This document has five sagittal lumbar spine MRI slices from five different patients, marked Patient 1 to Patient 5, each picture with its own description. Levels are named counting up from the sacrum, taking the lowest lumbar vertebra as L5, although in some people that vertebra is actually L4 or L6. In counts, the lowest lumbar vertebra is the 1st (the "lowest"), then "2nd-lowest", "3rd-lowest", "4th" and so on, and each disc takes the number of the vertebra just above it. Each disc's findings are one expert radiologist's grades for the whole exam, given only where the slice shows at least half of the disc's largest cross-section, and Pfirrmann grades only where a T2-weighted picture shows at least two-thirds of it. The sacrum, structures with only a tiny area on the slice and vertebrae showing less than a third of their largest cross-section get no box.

Patient 1 of 5:
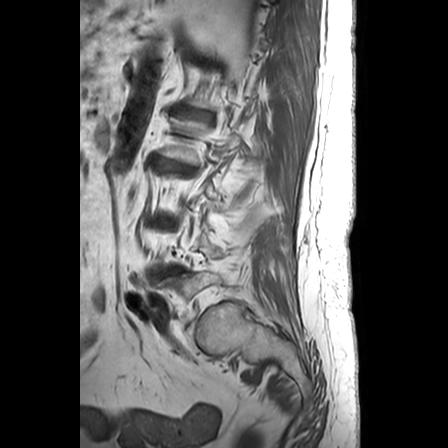
Slice spacing 3.3 mm. MRI lumbar spine (T1-weighted), sagittal plane.

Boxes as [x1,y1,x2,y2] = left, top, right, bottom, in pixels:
IVD L1/L2 (5th disc): [178,108,211,120] | L4/L5 (2nd-lowest disc): [151,267,182,279] | L2/L3 (4th disc): [154,158,192,174]

Degenerative findings by level:
  L2/L3 (4th disc): disc narrowing, Modic type II, disc bulging, spondylolisthesis

Patient 2 of 5:
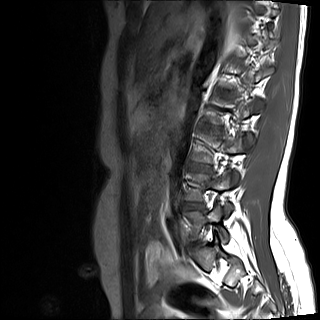
T1-weighted sagittal MRI of the lumbar spine
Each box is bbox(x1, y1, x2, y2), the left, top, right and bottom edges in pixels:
{"L3/L4": "bbox(191, 164, 209, 171)", "L5": "bbox(188, 205, 228, 238)", "L4/L5": "bbox(182, 202, 201, 209)", "L4 vertebra": "bbox(185, 174, 234, 218)"}

Patient 3 of 5:
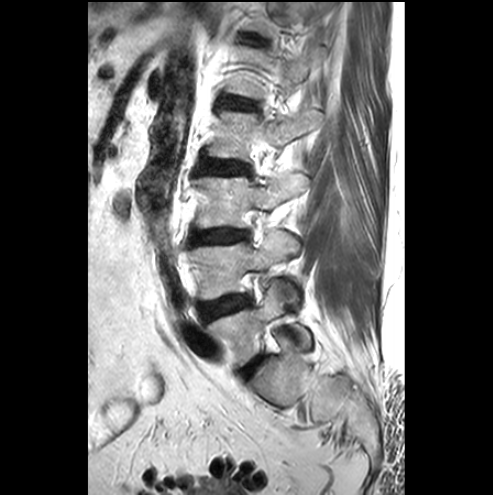 Lumbar spine MR, T2-weighted, sagittal

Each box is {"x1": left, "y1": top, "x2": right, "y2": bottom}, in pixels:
L2 (4th vertebra): {"x1": 208, "y1": 107, "x2": 320, "y2": 160}.
L4/L5 (2nd-lowest disc): {"x1": 200, "y1": 296, "x2": 250, "y2": 319}.
Intervertebral disc T12/L1 (6th disc): {"x1": 241, "y1": 34, "x2": 266, "y2": 44}.
L3/L4 (3rd-lowest disc): {"x1": 192, "y1": 229, "x2": 245, "y2": 243}.
L1/L2 (5th disc): {"x1": 221, "y1": 97, "x2": 255, "y2": 109}.
L2/L3 (4th disc): {"x1": 201, "y1": 160, "x2": 249, "y2": 174}.
L3 (3rd-lowest vertebra): {"x1": 196, "y1": 173, "x2": 308, "y2": 227}.
L4 (2nd-lowest vertebra): {"x1": 191, "y1": 231, "x2": 299, "y2": 303}.
L1 (5th vertebra): {"x1": 225, "y1": 42, "x2": 327, "y2": 98}.
Intervertebral disc L5/S1 (lowest disc): {"x1": 242, "y1": 356, "x2": 262, "y2": 377}.
L5 (lowest vertebra): {"x1": 207, "y1": 281, "x2": 310, "y2": 366}.

Radiological gradings:
- L3/L4 (3rd-lowest disc): disc bulging
- L4/L5 (2nd-lowest disc): Modic type III, disc bulging
- L2/L3 (4th disc): no herniation, bulging, narrowing, spondylolisthesis, endplate or Modic change recorded

Patient 4 of 5:
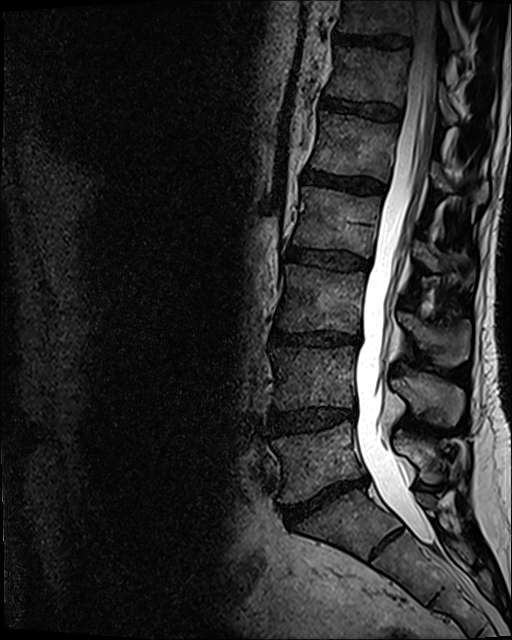

Sagittal slice index 66 | T2 SPACE (3D) sagittal MRI of the lumbar spine | Image 512x640

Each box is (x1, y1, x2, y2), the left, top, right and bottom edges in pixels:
L3 vertebra: (277, 264, 470, 366)
L4: (271, 346, 464, 425)
disc L2/L3: (288, 248, 368, 270)
spinal canal: (355, 1, 438, 545)
disc L4/L5: (270, 408, 355, 432)
T11/T12: (333, 32, 408, 49)
T12: (326, 46, 458, 122)
T12/L1: (321, 96, 400, 120)
L2 vertebra: (293, 186, 474, 286)
L1: (312, 111, 488, 205)
disc L3/L4: (272, 331, 361, 346)
L5 vertebra: (272, 422, 441, 502)
T11: (337, 0, 460, 51)
L5/S1: (282, 477, 367, 522)
disc L1/L2: (303, 168, 383, 193)

Radiological gradings:
  L5/S1: Pfirrmann grade 5, disc bulging, Modic type II, disc narrowing
  L3/L4: Pfirrmann grade 4, disc narrowing, disc bulging, lower-endplate change
  L1/L2: Pfirrmann grade 4
  L4/L5: Pfirrmann grade 3, disc narrowing, disc bulging
  T12/L1: Pfirrmann grade 3
  T11/T12: Pfirrmann grade 4
  L2/L3: Pfirrmann grade 3, disc bulging

Patient 5 of 5:
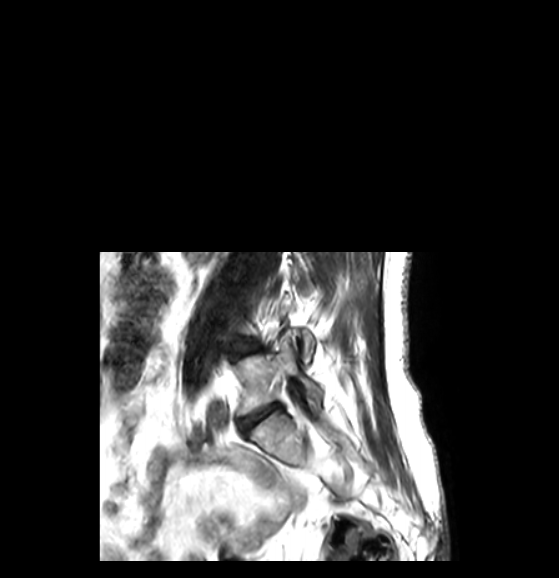

Patient sex: F | MRI lumbar spine (T2-weighted), sagittal plane | Slice 15/50
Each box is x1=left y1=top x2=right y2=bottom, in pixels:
Intervertebral disc L5/S1 at x1=240 y1=404 x2=277 y2=432, L5 vertebra at x1=238 y1=337 x2=321 y2=414, intervertebral disc L4/L5 at x1=241 y1=342 x2=256 y2=353.

Radiological gradings:
• L5/S1: disc narrowing, disc bulging